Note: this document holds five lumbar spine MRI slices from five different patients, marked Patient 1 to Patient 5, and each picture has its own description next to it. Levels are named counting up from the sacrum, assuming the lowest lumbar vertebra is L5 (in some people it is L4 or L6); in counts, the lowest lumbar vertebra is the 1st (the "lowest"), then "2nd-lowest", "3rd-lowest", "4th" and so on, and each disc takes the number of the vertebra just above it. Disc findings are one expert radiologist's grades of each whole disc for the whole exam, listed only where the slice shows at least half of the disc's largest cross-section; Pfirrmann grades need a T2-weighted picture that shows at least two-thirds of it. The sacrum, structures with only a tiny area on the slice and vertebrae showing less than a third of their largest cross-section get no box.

Patient 1 of 5:
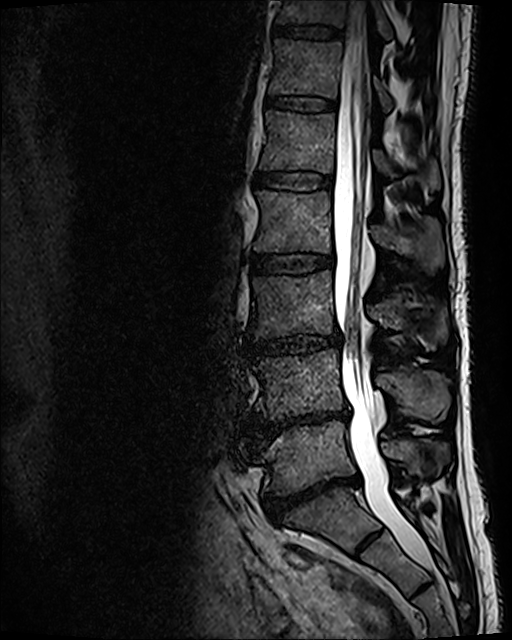
Sagittal T2 SPACE (3D) lumbar spine MRI; Slice 60/120

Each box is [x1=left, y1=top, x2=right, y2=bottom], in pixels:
L5/S1 — [x1=262, y1=475, x2=360, y2=520].
L4 — [x1=253, y1=349, x2=450, y2=420].
Spinal canal — [x1=333, y1=1, x2=432, y2=568].
L2 vertebra — [x1=254, y1=190, x2=443, y2=272].
IVD L2/L3 — [x1=251, y1=255, x2=333, y2=273].
T11/T12 — [x1=270, y1=25, x2=343, y2=40].
T12 vertebra — [x1=269, y1=40, x2=391, y2=110].
L4/L5 — [x1=253, y1=409, x2=348, y2=440].
L3/L4 — [x1=247, y1=334, x2=340, y2=353].
L3 — [x1=251, y1=271, x2=447, y2=342].
L1/L2 — [x1=256, y1=172, x2=331, y2=190].
L1 vertebra — [x1=259, y1=110, x2=440, y2=190].
IVD T12/L1 — [x1=266, y1=96, x2=335, y2=111].
T11 — [x1=276, y1=0, x2=395, y2=42].
L5 vertebra — [x1=258, y1=421, x2=448, y2=495].

Expert MSK radiologist gradings (per disc):
• L1/L2: Pfirrmann grade 2
• L2/L3: Pfirrmann grade 2
• L4/L5: Pfirrmann grade 5, disc bulging, Modic type II, disc narrowing, lower-endplate change
• L3/L4: Pfirrmann grade 3, disc narrowing, disc bulging
• T11/T12: Pfirrmann grade 2
• L5/S1: Pfirrmann grade 5, disc narrowing, disc bulging, spondylolisthesis, lower-endplate change
• T12/L1: Pfirrmann grade 2

Patient 2 of 5:
Sagittal slice index 53, MRI lumbar spine (T2 SPACE (3D)), sagittal plane
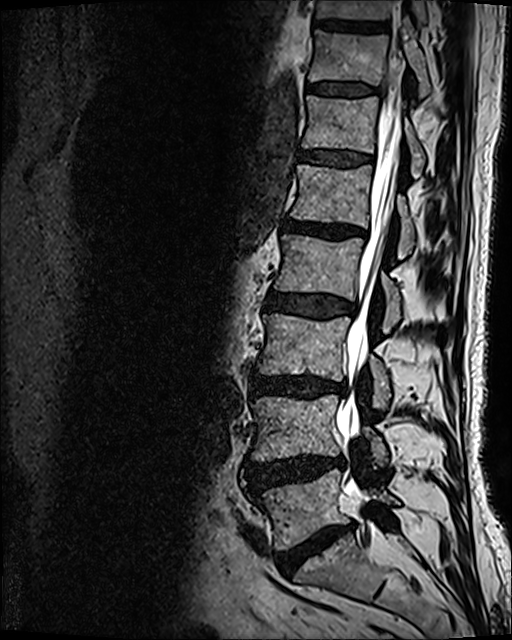

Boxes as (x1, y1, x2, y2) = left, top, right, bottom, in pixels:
Structures:
- IVD T12/L1 (6th disc) — (299, 151, 372, 167)
- T11 (7th vertebra) — (308, 20, 430, 98)
- L1 (5th vertebra) — (290, 164, 414, 257)
- T10 (8th vertebra) — (315, 0, 428, 28)
- IVD L5/S1 (lowest disc) — (275, 523, 352, 575)
- IVD T11/T12 (7th disc) — (307, 84, 376, 95)
- IVD T10/T11 (8th disc) — (315, 19, 386, 32)
- L5 (lowest vertebra) — (255, 469, 398, 549)
- L4 (2nd-lowest vertebra) — (251, 395, 387, 466)
- L3 (3rd-lowest vertebra) — (257, 313, 390, 408)
- spinal canal — (336, 40, 404, 490)
- L2 (4th vertebra) — (273, 234, 400, 332)
- L4/L5 (2nd-lowest disc) — (246, 454, 345, 490)
- T12 (6th vertebra) — (302, 95, 425, 177)
- IVD L1/L2 (5th disc) — (284, 220, 366, 238)
- L2/L3 (4th disc) — (265, 291, 355, 319)
- L3/L4 (3rd-lowest disc) — (251, 374, 346, 398)

Per-level radiological findings:
- T11/T12 (7th disc): Pfirrmann grade 3
- L5/S1 (lowest disc): Pfirrmann grade 5, lower-endplate change, Modic type II, disc narrowing, disc bulging
- L1/L2 (5th disc): Pfirrmann grade 4, Modic type II, disc narrowing, lower-endplate change, upper-endplate change, disc bulging
- L3/L4 (3rd-lowest disc): Pfirrmann grade 4, lower-endplate change, disc narrowing, disc bulging, Modic type II
- L4/L5 (2nd-lowest disc): Pfirrmann grade 4, disc bulging, disc herniation
- L2/L3 (4th disc): Pfirrmann grade 3, disc bulging
- T12/L1 (6th disc): Pfirrmann grade 3

Patient 3 of 5:
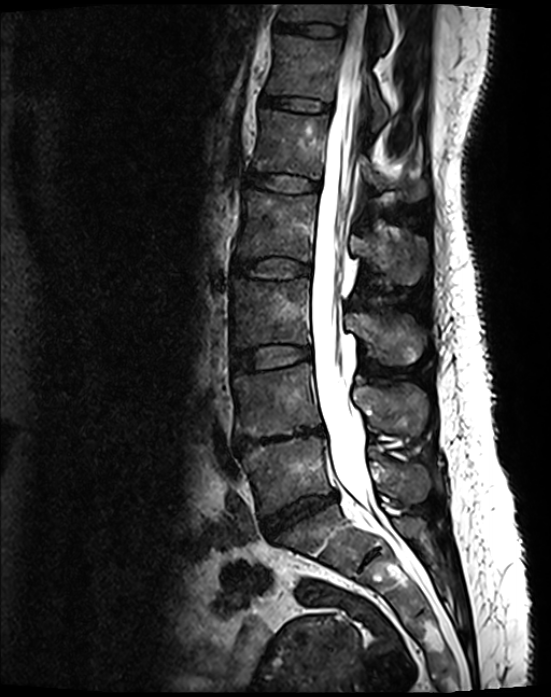
T2 SPACE (3D) sagittal MRI of the lumbar spine; Slice 67/130; Sex F

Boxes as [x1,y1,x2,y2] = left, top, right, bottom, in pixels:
T11/T12 (7th disc): [276,22,341,35].
Thecal sac / spinal canal: [310,8,373,509].
Intervertebral disc L5/S1 (lowest disc): [263,492,337,535].
T11 (7th vertebra): [280,3,391,52].
L4 (2nd-lowest vertebra): [235,364,426,437].
L2/L3 (4th disc): [233,257,310,277].
L2 (4th vertebra): [236,191,422,284].
L3 (3rd-lowest vertebra): [231,280,422,364].
L4/L5 (2nd-lowest disc): [235,427,323,451].
Intervertebral disc L1/L2 (5th disc): [247,173,319,192].
Intervertebral disc T12/L1 (6th disc): [261,96,329,110].
T12 (6th vertebra): [266,36,389,131].
Intervertebral disc L3/L4 (3rd-lowest disc): [233,346,310,371].
L5 (lowest vertebra): [242,435,426,513].
L1 (5th vertebra): [254,110,427,201].

Per-level radiological findings:
  L4/L5 (2nd-lowest disc): Pfirrmann grade 5, disc bulging, disc narrowing, upper-endplate change, Modic type II, lower-endplate change
  L3/L4 (3rd-lowest disc): Pfirrmann grade 2
  L5/S1 (lowest disc): Pfirrmann grade 4, disc narrowing, disc bulging
  T11/T12 (7th disc): Pfirrmann grade 2
  T12/L1 (6th disc): Pfirrmann grade 2
  L1/L2 (5th disc): Pfirrmann grade 2
  L2/L3 (4th disc): Pfirrmann grade 2

Patient 4 of 5:
Sagittal slice index 13 | MRI lumbar spine (T1-weighted), sagittal plane | SIEMENS Avanto_fit (1.5T)
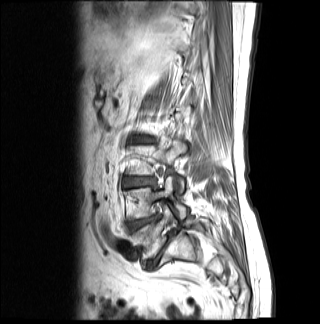
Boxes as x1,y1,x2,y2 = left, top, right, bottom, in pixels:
L4 at 127,176,187,219; L4/L5 at 128,216,158,231; L3 at 126,139,186,192; L2/L3 at 130,136,153,142; L5 at 130,204,209,260; L5/S1 at 146,230,177,269; L3/L4 at 123,177,155,187.

Expert MSK radiologist gradings (per disc):
  L3/L4: disc bulging
  L5/S1: spondylolisthesis, lower-endplate change, Modic type II, disc bulging, upper-endplate change, disc narrowing, disc herniation
  L4/L5: Modic type II, disc narrowing

Patient 5 of 5:
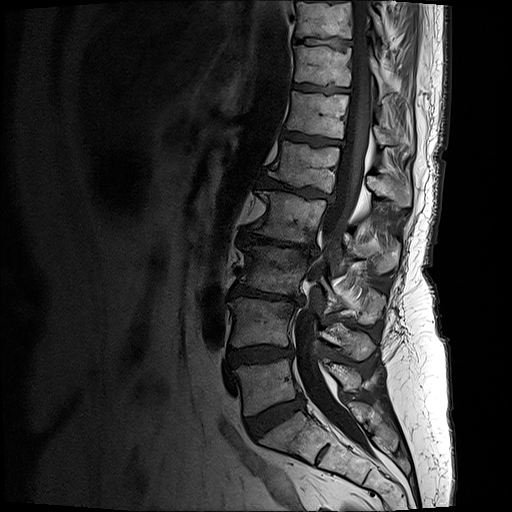
512x512 px. T1-weighted sagittal MRI of the lumbar spine. Slice 10 of 21.
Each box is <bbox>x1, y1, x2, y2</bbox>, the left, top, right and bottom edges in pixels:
L4/L5 at <bbox>227, 346, 293, 366</bbox>, IVD T10/T11 at <bbox>297, 39, 348, 46</bbox>, L2 at <bbox>253, 191, 399, 274</bbox>, L1 vertebra at <bbox>268, 141, 411, 206</bbox>, T11/T12 at <bbox>295, 85, 347, 92</bbox>, L5/S1 at <bbox>246, 395, 304, 438</bbox>, L3 vertebra at <bbox>240, 245, 383, 325</bbox>, T10 at <bbox>296, 0, 385, 44</bbox>, L4 at <bbox>229, 298, 374, 360</bbox>, T12/L1 at <bbox>282, 132, 341, 145</bbox>, L1/L2 at <bbox>260, 178, 331, 200</bbox>, L5 at <bbox>234, 359, 359, 415</bbox>, T12 at <bbox>286, 91, 413, 153</bbox>, L3/L4 at <bbox>230, 286, 303, 304</bbox>, thecal sac / spinal canal at <bbox>295, 0, 370, 448</bbox>, T11 vertebra at <bbox>294, 46, 391, 97</bbox>, IVD L2/L3 at <bbox>239, 231, 316, 258</bbox>.

Expert MSK radiologist gradings (per disc):
• T11/T12: lower-endplate change, upper-endplate change
• L5/S1: disc bulging
• L2/L3: disc narrowing, disc bulging, lower-endplate change, upper-endplate change, Modic type II
• L4/L5: disc bulging, upper-endplate change, lower-endplate change
• T12/L1: Modic type II, lower-endplate change, upper-endplate change
• T10/T11: upper-endplate change, lower-endplate change
• L1/L2: Modic type II, disc bulging, disc narrowing, lower-endplate change, upper-endplate change
• L3/L4: upper-endplate change, lower-endplate change, disc narrowing, disc bulging, Modic type II